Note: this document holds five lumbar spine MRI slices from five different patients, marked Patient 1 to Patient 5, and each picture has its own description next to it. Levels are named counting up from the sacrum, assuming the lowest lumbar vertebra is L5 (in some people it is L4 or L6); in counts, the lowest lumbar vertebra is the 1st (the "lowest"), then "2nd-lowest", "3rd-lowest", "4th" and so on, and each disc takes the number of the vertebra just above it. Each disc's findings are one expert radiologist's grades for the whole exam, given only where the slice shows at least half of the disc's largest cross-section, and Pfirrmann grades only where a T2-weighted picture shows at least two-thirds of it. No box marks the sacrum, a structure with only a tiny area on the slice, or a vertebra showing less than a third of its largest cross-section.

Patient 1 of 5:
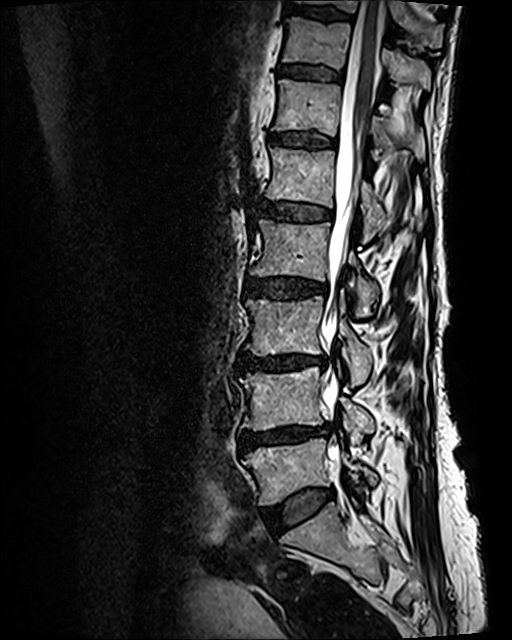

Sagittal T2 SPACE (3D) lumbar spine MRI | Slice 70 of 120
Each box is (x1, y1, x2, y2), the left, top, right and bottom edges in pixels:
• 2nd-lowest vertebra — (240, 367, 376, 442)
• spinal canal — (322, 0, 382, 471)
• lowest vertebra — (242, 439, 377, 505)
• 4th vertebra — (251, 220, 379, 315)
• 6th disc — (270, 132, 334, 148)
• 3rd-lowest vertebra — (245, 293, 373, 387)
• 8th disc — (292, 7, 351, 19)
• 5th vertebra — (266, 147, 426, 241)
• lowest disc — (262, 489, 333, 530)
• 3rd-lowest disc — (238, 353, 325, 371)
• 7th vertebra — (282, 16, 430, 89)
• 8th vertebra — (298, 0, 442, 47)
• 2nd-lowest disc — (239, 424, 329, 449)
• 6th vertebra — (272, 80, 425, 159)
• 4th disc — (244, 277, 326, 298)
• 7th disc — (277, 64, 343, 81)
• 5th disc — (260, 201, 331, 221)

Expert MSK radiologist gradings (per disc):
  5th disc: Pfirrmann grade 3, lower-endplate change, Modic type II, upper-endplate change
  lowest disc: Pfirrmann grade 2, disc bulging
  2nd-lowest disc: Pfirrmann grade 4, Modic type II, lower-endplate change, disc bulging, disc narrowing, upper-endplate change
  4th disc: Pfirrmann grade 3, upper-endplate change, disc bulging, Modic type II, lower-endplate change
  3rd-lowest disc: Pfirrmann grade 4, disc narrowing, lower-endplate change, Modic type II, upper-endplate change, disc bulging
  8th disc: Pfirrmann grade 2, upper-endplate change, lower-endplate change
  7th disc: Pfirrmann grade 2, upper-endplate change, Modic type II, lower-endplate change
  6th disc: Pfirrmann grade 2, lower-endplate change, upper-endplate change, Modic type II

Patient 2 of 5:
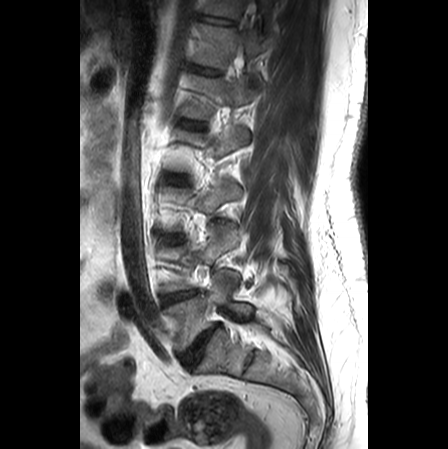 Slice 8/25. T2-weighted sagittal MRI of the lumbar spine.
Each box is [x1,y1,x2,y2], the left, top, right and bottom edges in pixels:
{"T12/L1": "[192,65,218,74]", "T11": "[203,0,243,17]", "disc L2/L3": "[168,174,183,183]", "disc L1/L2": "[180,121,204,128]", "disc L3/L4": "[167,235,179,242]", "T12 vertebra": "[194,23,264,75]", "L5/S1": "[181,324,219,366]", "T11/T12": "[201,15,231,26]", "L5 vertebra": "[164,272,252,351]", "L4/L5": "[163,291,195,303]", "L4 vertebra": "[161,228,238,291]", "L1": "[183,74,256,119]"}

Per-level radiological findings:
  L5/S1: Pfirrmann grade 5, disc bulging, disc narrowing, Modic type II
  T11/T12: no Modic or endplate change, herniation, narrowing, bulging or spondylolisthesis recorded

Patient 3 of 5:
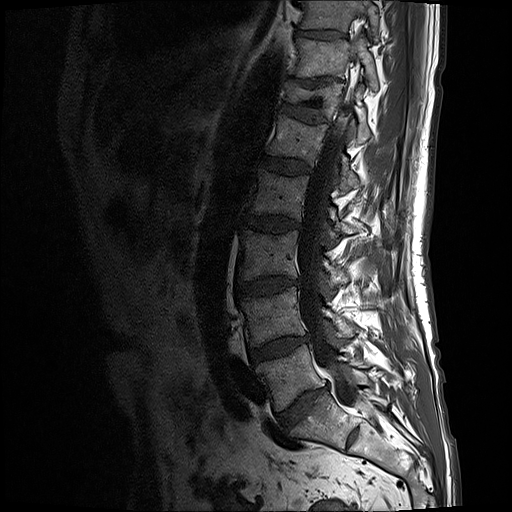 Lumbar spine MR, T1-weighted, sagittal
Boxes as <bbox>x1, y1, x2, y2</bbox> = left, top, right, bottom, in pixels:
Segmented structures:
* T11 (7th vertebra) — <bbox>290, 36, 378, 90</bbox>
* L3 (3rd-lowest vertebra) — <bbox>238, 230, 349, 286</bbox>
* disc L4/L5 (2nd-lowest disc) — <bbox>249, 337, 307, 359</bbox>
* spinal canal — <bbox>297, 23, 363, 404</bbox>
* disc L2/L3 (4th disc) — <bbox>242, 215, 301, 232</bbox>
* L3/L4 (3rd-lowest disc) — <bbox>236, 277, 297, 297</bbox>
* disc L1/L2 (5th disc) — <bbox>261, 155, 311, 174</bbox>
* L5/S1 (lowest disc) — <bbox>277, 388, 324, 427</bbox>
* L2 (4th vertebra) — <bbox>248, 169, 356, 237</bbox>
* T10 (8th vertebra) — <bbox>302, 0, 380, 41</bbox>
* T11/T12 (7th disc) — <bbox>305, 79, 331, 86</bbox>
* L1 (5th vertebra) — <bbox>268, 114, 359, 190</bbox>
* disc T12/L1 (6th disc) — <bbox>279, 102, 329, 122</bbox>
* L4 (2nd-lowest vertebra) — <bbox>239, 287, 354, 346</bbox>
* L5 (lowest vertebra) — <bbox>257, 345, 369, 410</bbox>
* T12 (6th vertebra) — <bbox>284, 82, 371, 143</bbox>
* disc T10/T11 (8th disc) — <bbox>296, 30, 339, 38</bbox>

Degenerative findings by level:
- L2/L3 (4th disc): disc bulging, Modic type II
- L5/S1 (lowest disc): disc bulging, disc narrowing
- T11/T12 (7th disc): upper-endplate change, disc narrowing, lower-endplate change
- T12/L1 (6th disc): upper-endplate change, lower-endplate change
- L4/L5 (2nd-lowest disc): Modic type II, disc bulging
- L3/L4 (3rd-lowest disc): disc bulging, disc narrowing, Modic type II
- T10/T11 (8th disc), L1/L2 (5th disc): no spondylolisthesis, narrowing, bulging, herniation, Modic or endplate change recorded

Patient 4 of 5:
MRI lumbar spine (T2 SPACE (3D)), sagittal plane; Slice spacing 0.9 mm

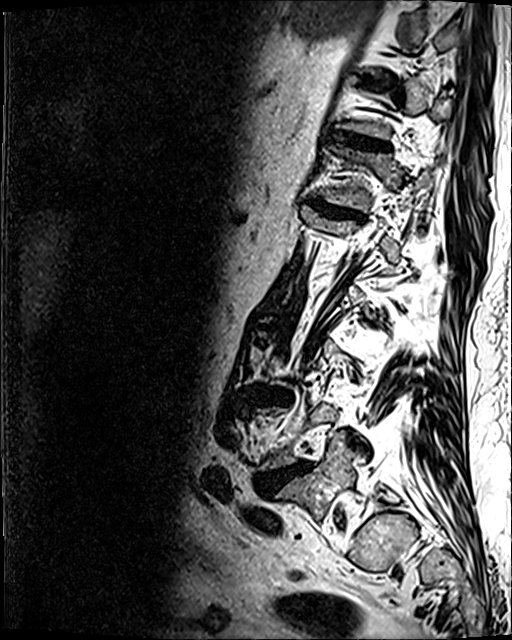
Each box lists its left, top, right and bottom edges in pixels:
Lowest vertebra at left=274, top=438, right=360, bottom=521; 6th vertebra at left=320, top=144, right=434, bottom=210; 2nd-lowest disc at left=255, top=463, right=308, bottom=495; 3rd-lowest disc at left=274, top=393, right=285, bottom=401; 6th disc at left=313, top=201, right=363, bottom=218; 7th disc at left=331, top=132, right=388, bottom=149.

Radiological gradings:
- 2nd-lowest disc: Pfirrmann grade 5, disc herniation, upper-endplate change, disc bulging, Modic type II, disc narrowing, lower-endplate change

Patient 5 of 5:
Slice spacing 3.3 mm, Slice 7 of 17, MRI lumbar spine (T2-weighted), sagittal plane, Patient sex: F 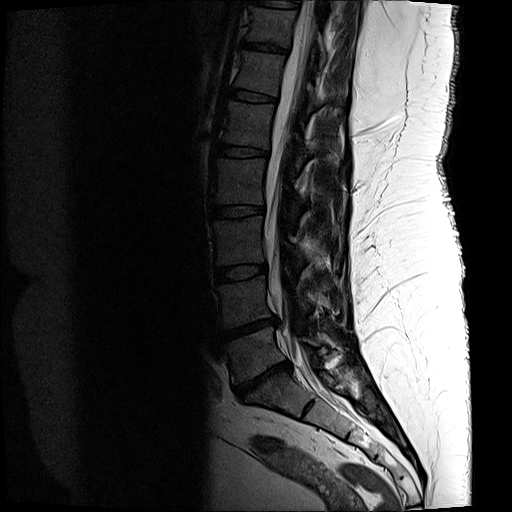
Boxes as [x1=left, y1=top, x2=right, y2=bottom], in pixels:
Intervertebral disc L5/S1 = [x1=234, y1=361, x2=290, y2=399].
L4 vertebra = [x1=217, y1=276, x2=312, y2=327].
T11/T12 = [x1=243, y1=41, x2=287, y2=52].
L3/L4 = [x1=215, y1=264, x2=266, y2=281].
L1/L2 = [x1=218, y1=143, x2=267, y2=156].
L2 = [x1=214, y1=158, x2=304, y2=224].
L1 = [x1=224, y1=101, x2=342, y2=169].
T12/L1 = [x1=231, y1=89, x2=274, y2=101].
Thecal sac / spinal canal = [x1=264, y1=0, x2=342, y2=404].
T11 vertebra = [x1=247, y1=6, x2=326, y2=62].
L3 vertebra = [x1=213, y1=216, x2=305, y2=271].
L2/L3 = [x1=212, y1=205, x2=263, y2=217].
Intervertebral disc L4/L5 = [x1=221, y1=317, x2=279, y2=340].
T12 = [x1=235, y1=50, x2=320, y2=113].
L5 vertebra = [x1=224, y1=326, x2=322, y2=383].

Expert MSK radiologist gradings (per disc):
- L2/L3: Pfirrmann grade 3, upper-endplate change, lower-endplate change
- T12/L1: Pfirrmann grade 3
- L5/S1: Pfirrmann grade 5, lower-endplate change, Modic type II, disc narrowing, upper-endplate change, disc herniation
- L3/L4: Pfirrmann grade 3
- L4/L5: Pfirrmann grade 5, upper-endplate change, disc narrowing, Modic type II, lower-endplate change, disc herniation
- L1/L2: Pfirrmann grade 3, lower-endplate change
- T11/T12: Pfirrmann grade 3, lower-endplate change